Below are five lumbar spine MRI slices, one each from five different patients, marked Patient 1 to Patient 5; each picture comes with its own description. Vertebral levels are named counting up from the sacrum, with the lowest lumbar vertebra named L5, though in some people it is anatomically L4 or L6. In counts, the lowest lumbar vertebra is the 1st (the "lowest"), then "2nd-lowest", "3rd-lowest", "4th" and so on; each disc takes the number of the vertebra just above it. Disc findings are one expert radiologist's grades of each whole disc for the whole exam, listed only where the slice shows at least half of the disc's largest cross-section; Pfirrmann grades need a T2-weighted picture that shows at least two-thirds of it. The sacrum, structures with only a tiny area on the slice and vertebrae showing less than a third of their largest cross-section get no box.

Patient 1 of 5:
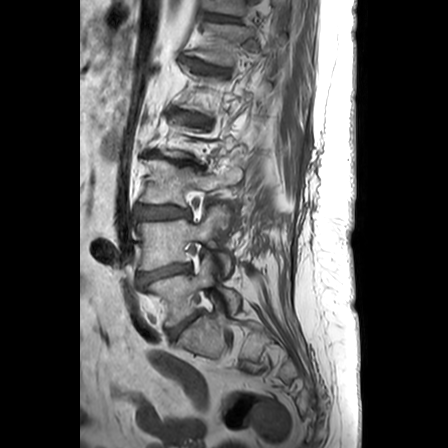

Sagittal T1-weighted lumbar spine MRI, 448x448 px

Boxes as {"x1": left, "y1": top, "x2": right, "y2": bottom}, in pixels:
3rd-lowest vertebra at {"x1": 140, "y1": 160, "x2": 241, "y2": 221}, lowest vertebra at {"x1": 146, "y1": 255, "x2": 239, "y2": 326}, 3rd-lowest disc at {"x1": 136, "y1": 206, "x2": 189, "y2": 218}, 2nd-lowest vertebra at {"x1": 137, "y1": 206, "x2": 231, "y2": 278}, 7th disc at {"x1": 208, "y1": 14, "x2": 235, "y2": 21}, 4th disc at {"x1": 144, "y1": 152, "x2": 205, "y2": 169}, 2nd-lowest disc at {"x1": 139, "y1": 264, "x2": 190, "y2": 283}, 5th disc at {"x1": 171, "y1": 111, "x2": 210, "y2": 130}, 6th disc at {"x1": 186, "y1": 59, "x2": 227, "y2": 72}, lowest disc at {"x1": 169, "y1": 312, "x2": 200, "y2": 340}.

Per-level radiological findings:
- 4th disc: disc narrowing, Modic type II, spondylolisthesis, disc bulging
- 5th disc: disc narrowing, Modic type II
- 6th disc: disc narrowing
- 3rd-lowest disc: disc bulging
- 2nd-lowest disc: disc bulging, disc narrowing

Patient 2 of 5:
Scanner: SIEMENS Avanto_fit (1.5T), 512x640 px, Sagittal T2 SPACE (3D) lumbar spine MRI
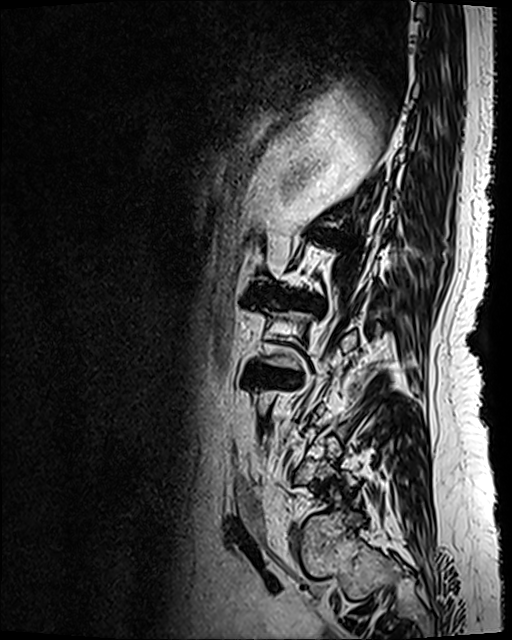
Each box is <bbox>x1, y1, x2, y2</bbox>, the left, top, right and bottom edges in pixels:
Disc L2/L3 at <bbox>269, 293, 323, 313</bbox>, disc L3/L4 at <bbox>246, 365, 300, 385</bbox>.

Radiological gradings:
  L3/L4: Pfirrmann grade 5, Modic type II, disc bulging, upper-endplate change, disc narrowing, lower-endplate change
  L2/L3: Pfirrmann grade 5, disc narrowing, upper-endplate change, disc bulging, Modic type II, lower-endplate change

Patient 3 of 5:
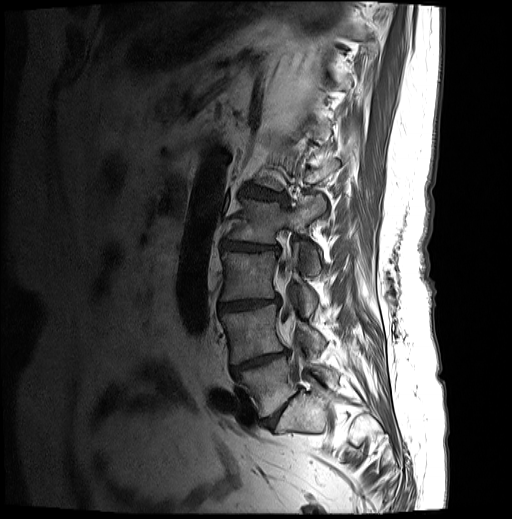
Sagittal slice index 17 | Field of view 300x304 mm | Image 512x519 | Patient sex: F | T1-weighted sagittal MRI of the lumbar spine

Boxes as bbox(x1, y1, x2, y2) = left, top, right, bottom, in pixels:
{"5th disc": "bbox(241, 187, 287, 203)", "lowest vertebra": "bbox(236, 347, 337, 416)", "3rd-lowest disc": "bbox(219, 299, 279, 311)", "4th vertebra": "bbox(228, 195, 325, 272)", "2nd-lowest disc": "bbox(230, 350, 288, 374)", "4th disc": "bbox(222, 242, 278, 251)", "lowest disc": "bbox(261, 398, 292, 428)", "spinal canal": "bbox(280, 265, 295, 333)", "2nd-lowest vertebra": "bbox(221, 305, 325, 364)", "3rd-lowest vertebra": "bbox(222, 242, 318, 315)"}

Radiological gradings:
• 4th disc: lower-endplate change, disc narrowing, Modic type II, upper-endplate change, disc bulging
• 3rd-lowest disc: disc bulging, disc narrowing, lower-endplate change, Modic type II, upper-endplate change
• 2nd-lowest disc: disc narrowing, lower-endplate change, Modic type II, disc bulging, upper-endplate change
• 5th disc: disc bulging, Modic type II, upper-endplate change, disc narrowing, lower-endplate change

Patient 4 of 5:
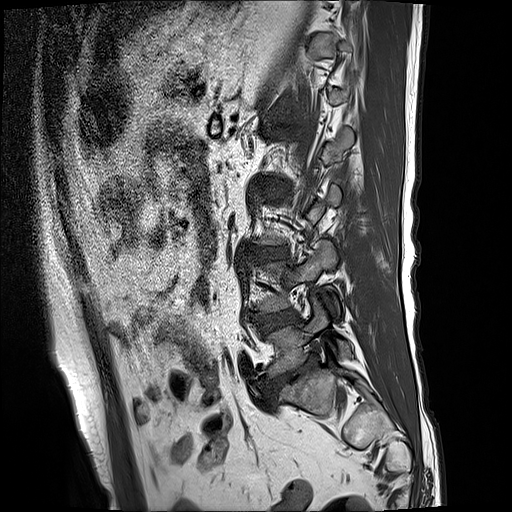 T1-weighted sagittal MRI of the lumbar spine. Field of view 300x300 mm, slice spacing 3.3 mm.

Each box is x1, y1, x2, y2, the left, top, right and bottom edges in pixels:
Segmented structures:
* L4 at 253, 239, 341, 318
* L5 at 266, 299, 352, 379
* L1/L2 at 270, 131, 295, 135
* L3/L4 at 247, 247, 289, 262
* L4/L5 at 254, 310, 299, 332
* L5/S1 at 265, 356, 318, 396

Per-level radiological findings:
  L4/L5: Modic type II

Patient 5 of 5:
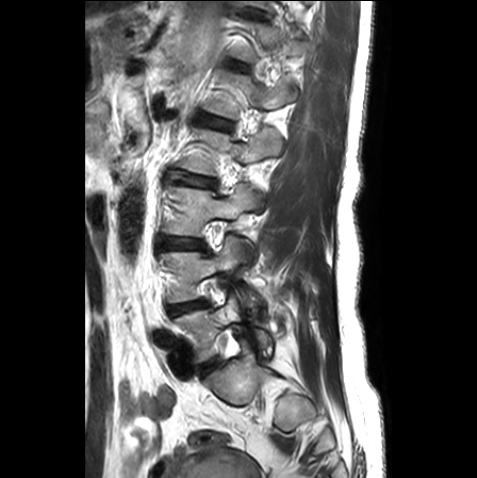 Image 477x478, Lumbar spine MR, T2-weighted, sagittal, Sex F
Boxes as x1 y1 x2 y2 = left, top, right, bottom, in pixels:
{"L2 (4th vertebra)": "179 128 281 175", "T12/L1 (6th disc)": "226 59 248 71", "L1 (5th vertebra)": "204 69 290 119", "IVD L3/L4 (3rd-lowest disc)": "160 238 203 248", "T11/T12 (7th disc)": "248 8 265 18", "L2/L3 (4th disc)": "177 174 216 188", "L5 (lowest vertebra)": "175 296 270 361", "L5/S1 (lowest disc)": "200 358 217 375", "IVD L4/L5 (2nd-lowest disc)": "168 300 207 315", "L3 (3rd-lowest vertebra)": "163 183 257 236", "L1/L2 (5th disc)": "198 114 231 129", "L4 (2nd-lowest vertebra)": "164 236 257 307"}

Per-level radiological findings:
• L2/L3 (4th disc): disc bulging, lower-endplate change, upper-endplate change
• L3/L4 (3rd-lowest disc): Pfirrmann grade 2, disc bulging, disc narrowing
• L1/L2 (5th disc): upper-endplate change, lower-endplate change